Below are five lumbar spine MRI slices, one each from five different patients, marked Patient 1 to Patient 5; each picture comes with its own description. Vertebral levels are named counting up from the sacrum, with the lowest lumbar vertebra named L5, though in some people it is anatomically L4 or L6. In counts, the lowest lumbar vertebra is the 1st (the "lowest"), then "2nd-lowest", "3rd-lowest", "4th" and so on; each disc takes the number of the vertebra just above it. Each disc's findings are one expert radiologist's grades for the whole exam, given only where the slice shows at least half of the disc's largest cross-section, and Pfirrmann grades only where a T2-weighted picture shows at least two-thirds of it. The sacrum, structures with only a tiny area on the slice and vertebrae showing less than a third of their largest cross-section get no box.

Patient 1 of 5:
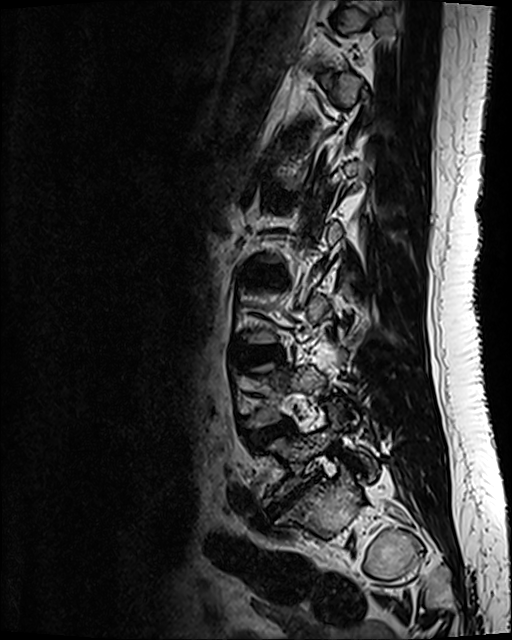 Slice 34/120. Sagittal T2 SPACE (3D) lumbar spine MRI. Patient sex: F.
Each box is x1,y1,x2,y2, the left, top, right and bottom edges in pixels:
2nd-lowest disc — 248,423,290,443.
Lowest vertebra — 265,403,372,503.
3rd-lowest disc — 236,347,277,363.
Lowest disc — 273,487,306,514.

Patient 2 of 5:
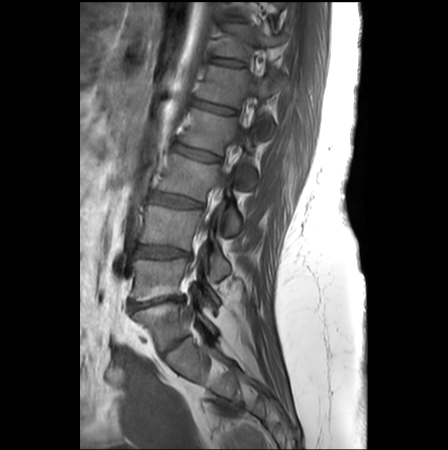

Slice 10/26; Lumbar spine MR, T1-weighted, sagittal

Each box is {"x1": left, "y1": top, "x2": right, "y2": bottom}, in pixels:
Spinal canal: {"x1": 201, "y1": 130, "x2": 242, "y2": 236}.
L4/L5 (2nd-lowest disc): {"x1": 134, "y1": 244, "x2": 190, "y2": 258}.
L3 (3rd-lowest vertebra): {"x1": 158, "y1": 154, "x2": 240, "y2": 234}.
L1 (5th vertebra): {"x1": 196, "y1": 65, "x2": 283, "y2": 118}.
L4 (2nd-lowest vertebra): {"x1": 140, "y1": 205, "x2": 229, "y2": 279}.
L2 (4th vertebra): {"x1": 179, "y1": 109, "x2": 255, "y2": 189}.
L5/S1 (lowest disc): {"x1": 128, "y1": 296, "x2": 183, "y2": 311}.
L1/L2 (5th disc): {"x1": 190, "y1": 100, "x2": 233, "y2": 114}.
Disc L3/L4 (3rd-lowest disc): {"x1": 150, "y1": 191, "x2": 201, "y2": 207}.
L2/L3 (4th disc): {"x1": 171, "y1": 142, "x2": 218, "y2": 160}.
Disc T12/L1 (6th disc): {"x1": 214, "y1": 59, "x2": 241, "y2": 67}.
T12 (6th vertebra): {"x1": 216, "y1": 25, "x2": 284, "y2": 59}.
L5 (lowest vertebra): {"x1": 131, "y1": 259, "x2": 219, "y2": 303}.

Degenerative findings by level:
  L2/L3 (4th disc): upper-endplate change, lower-endplate change
  L5/S1 (lowest disc): spondylolisthesis, disc bulging, Modic type II, disc narrowing
  L1/L2 (5th disc): lower-endplate change, upper-endplate change
  L3/L4 (3rd-lowest disc): Modic type II, disc bulging
  L4/L5 (2nd-lowest disc): disc herniation, disc bulging
  T12/L1 (6th disc): no herniation, bulging, narrowing, spondylolisthesis, endplate or Modic change recorded

Patient 3 of 5:
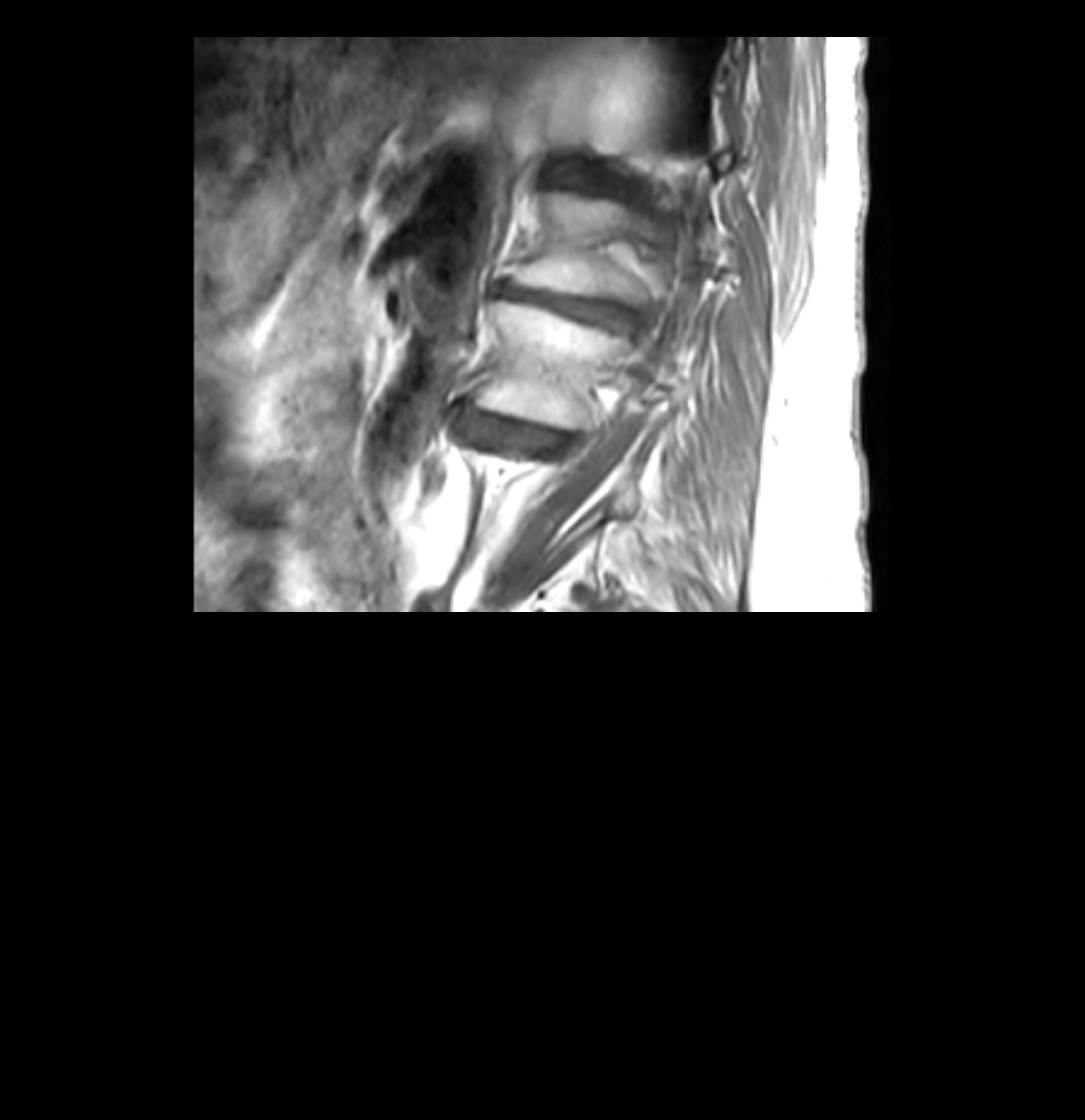 Slice 32 of 41, Patient sex: F, Sagittal T1-weighted lumbar spine MRI

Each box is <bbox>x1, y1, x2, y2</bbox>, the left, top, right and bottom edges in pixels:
5th vertebra — <bbox>511, 192, 736, 304</bbox> | 4th disc — <bbox>453, 403, 574, 458</bbox> | 5th disc — <bbox>494, 284, 639, 335</bbox> | 6th disc — <bbox>562, 174, 612, 187</bbox> | 4th vertebra — <bbox>475, 304, 678, 430</bbox>

Degenerative findings by level:
- 5th disc: Modic type II, disc bulging, disc narrowing, lower-endplate change, upper-endplate change
- 4th disc: lower-endplate change, Modic type II, disc narrowing, disc bulging, upper-endplate change

Patient 4 of 5:
MRI lumbar spine (T2 SPACE (3D)), sagittal plane. Sagittal slice index 46.

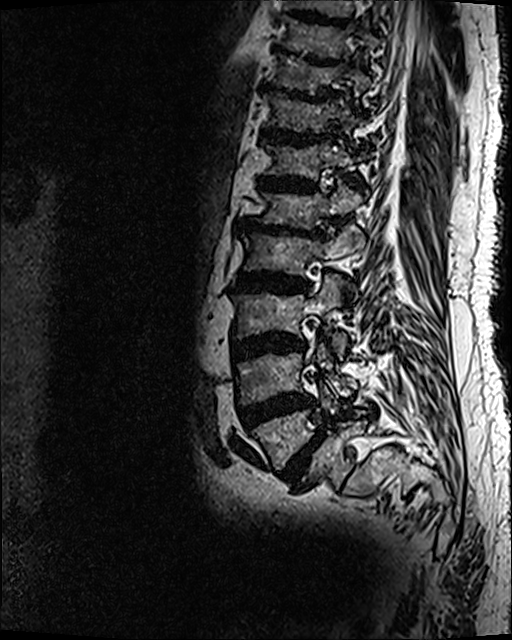
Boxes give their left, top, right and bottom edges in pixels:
{"T11/T12": "left=260, top=128, right=328, bottom=145", "T10 vertebra": "left=269, top=54, right=370, bottom=104", "intervertebral disc T12/L1": "left=258, top=176, right=316, bottom=193", "intervertebral disc L5/S1": "left=280, top=428, right=326, bottom=487", "intervertebral disc T9/T10": "left=271, top=45, right=339, bottom=66", "T12": "left=263, top=139, right=369, bottom=181", "L4/L5": "left=239, top=393, right=314, bottom=430", "intervertebral disc L1/L2": "left=238, top=217, right=324, bottom=237", "L2 vertebra": "left=242, top=222, right=365, bottom=277", "L5": "left=251, top=378, right=367, bottom=471", "L1": "left=250, top=177, right=365, bottom=230", "L4 vertebra": "left=234, top=337, right=357, bottom=405", "L3 vertebra": "left=231, top=275, right=348, bottom=358", "L3/L4": "left=233, top=332, right=304, bottom=361", "intervertebral disc L2/L3": "left=236, top=272, right=309, bottom=294", "T11 vertebra": "left=265, top=91, right=358, bottom=132", "intervertebral disc T10/T11": "left=261, top=83, right=332, bottom=102"}

Expert MSK radiologist gradings (per disc):
- L2/L3: Pfirrmann grade 5, disc narrowing, lower-endplate change, Modic type II, upper-endplate change, disc bulging
- L3/L4: Pfirrmann grade 5, disc bulging, lower-endplate change, disc narrowing, Modic type II, upper-endplate change
- T10/T11: lower-endplate change, Modic type II, disc narrowing, upper-endplate change, disc bulging
- L5/S1: Pfirrmann grade 5, upper-endplate change, lower-endplate change, Modic type II, disc bulging, disc narrowing, spondylolisthesis
- T12/L1: Pfirrmann grade 5, disc narrowing, upper-endplate change, lower-endplate change, disc bulging, Modic type II
- L1/L2: lower-endplate change, upper-endplate change, disc narrowing, Modic type II, disc bulging
- T11/T12: Pfirrmann grade 5, disc bulging, upper-endplate change, Modic type II, disc narrowing, lower-endplate change
- L4/L5: Pfirrmann grade 5, upper-endplate change, disc bulging, Modic type II, disc narrowing, lower-endplate change

Patient 5 of 5:
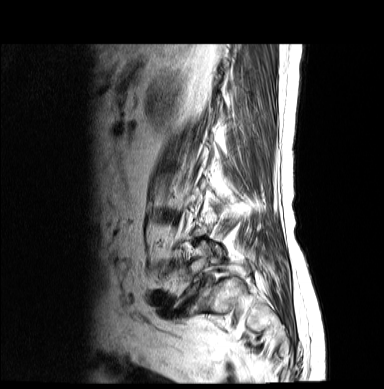 Sagittal T2-weighted lumbar spine MRI

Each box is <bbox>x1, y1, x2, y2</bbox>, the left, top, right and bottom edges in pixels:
L5: <bbox>175, 242, 213, 306</bbox>.
IVD L5/S1: <bbox>177, 281, 205, 316</bbox>.